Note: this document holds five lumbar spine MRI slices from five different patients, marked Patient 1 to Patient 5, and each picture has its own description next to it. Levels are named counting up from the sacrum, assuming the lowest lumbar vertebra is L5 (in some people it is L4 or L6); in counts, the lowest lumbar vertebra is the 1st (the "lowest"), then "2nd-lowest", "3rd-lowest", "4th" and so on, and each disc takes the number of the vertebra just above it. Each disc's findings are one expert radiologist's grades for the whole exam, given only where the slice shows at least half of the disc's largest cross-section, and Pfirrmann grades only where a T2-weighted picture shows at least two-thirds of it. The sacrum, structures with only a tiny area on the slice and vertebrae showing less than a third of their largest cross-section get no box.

Patient 1 of 5:
MRI lumbar spine (T2-weighted), sagittal plane; Image 448x448; Patient sex: F; Slice 15/24
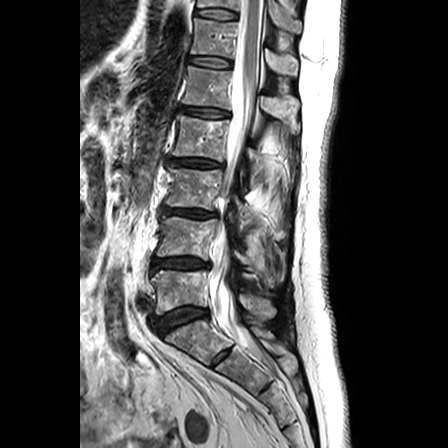

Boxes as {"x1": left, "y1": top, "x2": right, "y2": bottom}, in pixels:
• T11 vertebra: {"x1": 198, "y1": 0, "x2": 301, "y2": 33}
• thecal sac / spinal canal: {"x1": 210, "y1": 0, "x2": 262, "y2": 361}
• L3: {"x1": 165, "y1": 167, "x2": 285, "y2": 237}
• IVD L2/L3: {"x1": 169, "y1": 158, "x2": 223, "y2": 167}
• L1/L2: {"x1": 180, "y1": 106, "x2": 229, "y2": 117}
• T12 vertebra: {"x1": 191, "y1": 18, "x2": 298, "y2": 75}
• L1: {"x1": 182, "y1": 66, "x2": 299, "y2": 133}
• L2: {"x1": 172, "y1": 113, "x2": 266, "y2": 186}
• IVD L5/S1: {"x1": 156, "y1": 307, "x2": 208, "y2": 334}
• IVD L3/L4: {"x1": 162, "y1": 207, "x2": 217, "y2": 218}
• T12/L1: {"x1": 190, "y1": 56, "x2": 231, "y2": 67}
• T11/T12: {"x1": 195, "y1": 9, "x2": 237, "y2": 19}
• L5 vertebra: {"x1": 151, "y1": 270, "x2": 276, "y2": 319}
• L4 vertebra: {"x1": 156, "y1": 216, "x2": 282, "y2": 287}
• L4/L5: {"x1": 151, "y1": 257, "x2": 209, "y2": 271}

Degenerative findings by level:
  L1/L2: Pfirrmann grade 3, disc narrowing, disc bulging
  L5/S1: Pfirrmann grade 2, lower-endplate change, upper-endplate change, Modic type II
  L3/L4: lower-endplate change, disc narrowing, disc bulging, Modic type II, upper-endplate change
  L2/L3: Pfirrmann grade 3, Modic type II, disc narrowing, upper-endplate change, disc bulging, lower-endplate change
  L4/L5: Pfirrmann grade 3, lower-endplate change, upper-endplate change, Modic type II, disc bulging
  T12/L1: Pfirrmann grade 1
  T11/T12: Pfirrmann grade 1

Patient 2 of 5:
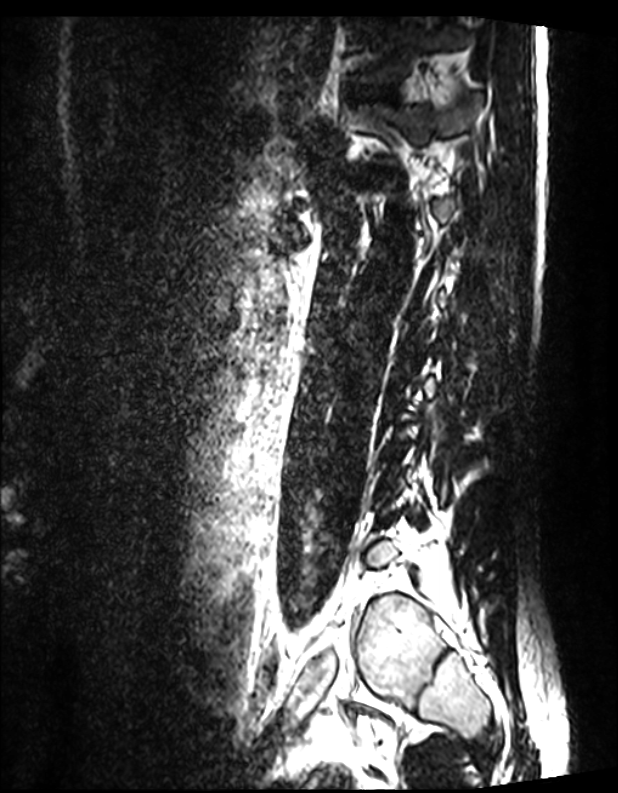
Field of view 240x308 mm, slice spacing 0.9 mm. Sagittal slice index 102. Sex M. Sagittal T2 SPACE (3D) lumbar spine MRI. 618x793 px.
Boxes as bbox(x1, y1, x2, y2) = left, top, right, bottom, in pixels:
Annotations:
* T12 (6th vertebra): bbox(358, 91, 476, 162)
* intervertebral disc T12/L1 (6th disc): bbox(361, 170, 383, 177)
* intervertebral disc T11/T12 (7th disc): bbox(354, 86, 394, 99)
* T11 (7th vertebra): bbox(346, 17, 472, 83)

Patient 3 of 5:
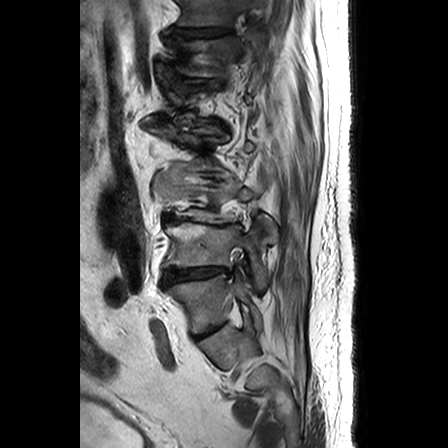 Slice 8 of 26. T2-weighted sagittal MRI of the lumbar spine. Patient sex: M.

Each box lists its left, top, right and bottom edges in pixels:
L4 at left=164, top=220, right=277, bottom=289.
Disc T12/L1 at left=168, top=73, right=196, bottom=92.
L5 at left=166, top=274, right=261, bottom=332.
T11 at left=178, top=0, right=263, bottom=26.
Disc L1/L2 at left=157, top=120, right=222, bottom=133.
L4/L5 at left=164, top=267, right=229, bottom=284.
T12 at left=159, top=33, right=261, bottom=76.
L3/L4 at left=165, top=215, right=242, bottom=225.
L5/S1 at left=202, top=326, right=216, bottom=334.
T11/T12 at left=170, top=28, right=228, bottom=38.
L2/L3 at left=197, top=177, right=222, bottom=185.

Expert MSK radiologist gradings (per disc):
• L4/L5: Pfirrmann grade 5, Modic type II, disc bulging, disc narrowing, disc herniation
• L3/L4: Pfirrmann grade 5, disc narrowing, disc bulging, Modic type II, disc herniation
• T12/L1: disc herniation, disc bulging, disc narrowing
• T11/T12: Pfirrmann grade 3, disc narrowing, upper-endplate change, disc bulging

Patient 4 of 5:
512x640 px | T2 SPACE (3D) sagittal MRI of the lumbar spine
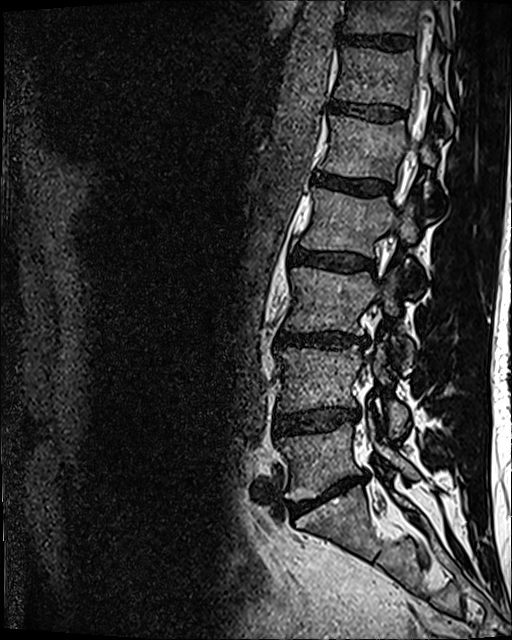
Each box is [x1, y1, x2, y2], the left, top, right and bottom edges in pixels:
L4 (2nd-lowest vertebra): [275, 344, 407, 436].
L5 (lowest vertebra): [276, 414, 419, 499].
T11/T12 (7th disc): [338, 33, 414, 51].
T11 (7th vertebra): [342, 0, 452, 45].
IVD L5/S1 (lowest disc): [289, 475, 361, 513].
L3/L4 (3rd-lowest disc): [276, 332, 366, 348].
T12 (6th vertebra): [335, 47, 453, 130].
L2 (4th vertebra): [301, 188, 417, 255].
L1 (5th vertebra): [323, 115, 436, 181].
Thecal sac / spinal canal: [411, 91, 428, 154].
T12/L1 (6th disc): [330, 102, 405, 120].
L3 (3rd-lowest vertebra): [286, 267, 413, 369].
IVD L1/L2 (5th disc): [313, 172, 391, 196].
L4/L5 (2nd-lowest disc): [275, 407, 359, 432].
IVD L2/L3 (4th disc): [293, 249, 374, 271].

Radiological gradings:
• L1/L2 (5th disc): Pfirrmann grade 4
• T11/T12 (7th disc): Pfirrmann grade 4
• L3/L4 (3rd-lowest disc): Pfirrmann grade 4, disc narrowing, lower-endplate change, disc bulging
• L4/L5 (2nd-lowest disc): Pfirrmann grade 3, disc narrowing, disc bulging
• T12/L1 (6th disc): Pfirrmann grade 3
• L2/L3 (4th disc): Pfirrmann grade 3, disc bulging
• L5/S1 (lowest disc): disc narrowing, disc bulging, Modic type II

Patient 5 of 5:
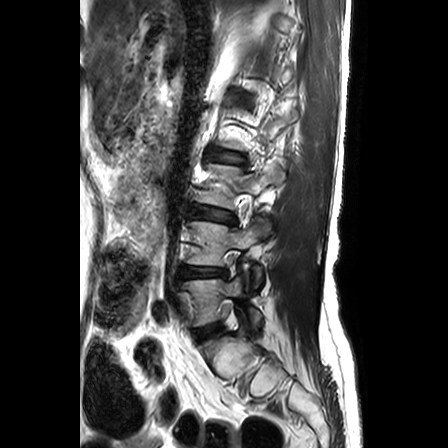
Field of view 280x280 mm. Sex F. T2-weighted sagittal MRI of the lumbar spine.
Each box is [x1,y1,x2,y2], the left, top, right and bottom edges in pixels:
Segmented structures:
• 2nd-lowest vertebra at [188,218,270,290]
• 2nd-lowest disc at [182,267,225,277]
• 3rd-lowest disc at [192,207,235,224]
• 4th disc at [214,151,241,162]
• lowest disc at [195,324,218,339]
• lowest vertebra at [183,276,261,332]

Radiological gradings:
  2nd-lowest disc: lower-endplate change, disc herniation, upper-endplate change, disc narrowing
  3rd-lowest disc: Pfirrmann grade 3, disc bulging, lower-endplate change, upper-endplate change